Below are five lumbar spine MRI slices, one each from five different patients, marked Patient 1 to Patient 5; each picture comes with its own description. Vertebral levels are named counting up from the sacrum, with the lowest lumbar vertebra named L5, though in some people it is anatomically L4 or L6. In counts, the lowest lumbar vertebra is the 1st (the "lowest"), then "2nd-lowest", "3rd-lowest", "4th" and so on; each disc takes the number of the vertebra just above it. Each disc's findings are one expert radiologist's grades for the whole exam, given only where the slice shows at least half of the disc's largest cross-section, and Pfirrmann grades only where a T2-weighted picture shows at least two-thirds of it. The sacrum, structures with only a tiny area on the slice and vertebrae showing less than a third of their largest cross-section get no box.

Patient 1 of 5:
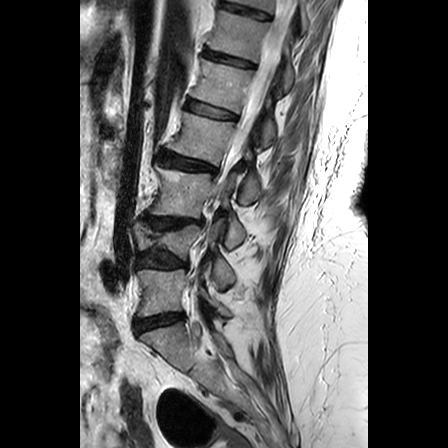 Patient sex: F; Sagittal T2-weighted lumbar spine MRI
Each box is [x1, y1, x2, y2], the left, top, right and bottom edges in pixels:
2nd-lowest disc — [138, 253, 186, 267].
Thecal sac / spinal canal — [204, 0, 296, 245].
3rd-lowest disc — [144, 215, 201, 228].
Lowest vertebra — [138, 268, 229, 316].
Lowest disc — [135, 313, 183, 332].
5th disc — [187, 100, 235, 119].
7th vertebra — [229, 0, 307, 30].
5th vertebra — [191, 58, 275, 145].
2nd-lowest vertebra — [134, 220, 234, 288].
7th disc — [222, 2, 270, 19].
3rd-lowest vertebra — [150, 164, 245, 248].
4th disc — [158, 151, 215, 172].
6th disc — [205, 50, 253, 67].
4th vertebra — [167, 112, 260, 203].
6th vertebra — [209, 10, 293, 89].

Per-level radiological findings:
  5th disc: Pfirrmann grade 2, upper-endplate change
  6th disc: Pfirrmann grade 3, upper-endplate change, lower-endplate change
  4th disc: Pfirrmann grade 3, upper-endplate change, lower-endplate change
  3rd-lowest disc: upper-endplate change, lower-endplate change, disc bulging
  7th disc: Pfirrmann grade 3, lower-endplate change
  2nd-lowest disc: lower-endplate change, disc bulging
  lowest disc: Pfirrmann grade 3, disc bulging

Patient 2 of 5:
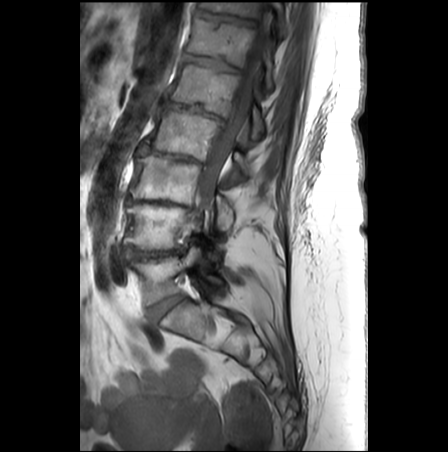
Field of view 280x283 mm, slice spacing 3.3 mm; Lumbar spine MR, T1-weighted, sagittal

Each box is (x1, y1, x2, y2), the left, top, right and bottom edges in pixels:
Intervertebral disc L1/L2 — (166, 100, 224, 121).
L3 vertebra — (129, 156, 233, 229).
T11 vertebra — (200, 2, 284, 34).
T11/T12 — (194, 10, 255, 25).
Spinal canal — (196, 4, 271, 211).
L5 — (131, 246, 221, 304).
Intervertebral disc T12/L1 — (183, 53, 239, 71).
Intervertebral disc L3/L4 — (126, 198, 188, 207).
L1 vertebra — (171, 64, 264, 138).
L4 vertebra — (124, 203, 201, 249).
Intervertebral disc L4/L5 — (124, 248, 181, 259).
L2 — (146, 108, 250, 175).
T12 vertebra — (186, 18, 272, 89).
L2/L3 — (139, 146, 201, 163).
L5/S1 — (148, 294, 183, 319).

Expert MSK radiologist gradings (per disc):
  L2/L3: lower-endplate change, disc bulging, Modic type II, disc narrowing, upper-endplate change
  L3/L4: disc bulging, lower-endplate change, Modic type II, disc narrowing, upper-endplate change
  T11/T12: lower-endplate change, upper-endplate change
  T12/L1: Modic type II, upper-endplate change, lower-endplate change
  L1/L2: Modic type II, upper-endplate change, disc bulging, lower-endplate change, disc narrowing, spondylolisthesis
  L4/L5: upper-endplate change, disc narrowing, disc bulging, Modic type II, lower-endplate change

Patient 3 of 5:
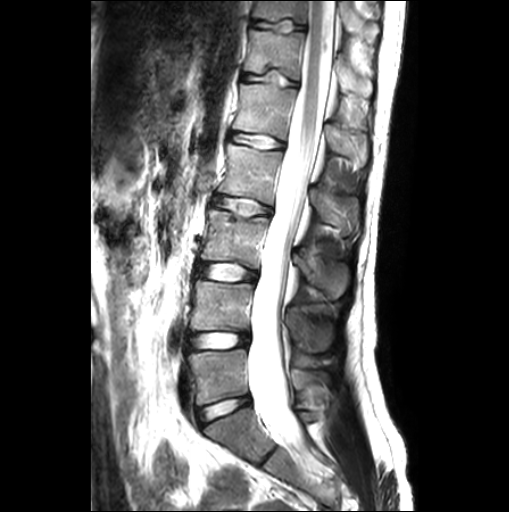 Field of view 280x281 mm, Slice 14/26, MRI lumbar spine (T2-weighted), sagittal plane
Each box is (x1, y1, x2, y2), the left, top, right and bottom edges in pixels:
Structures:
• disc L4/L5 (2nd-lowest disc): (189, 333, 249, 348)
• L3 (3rd-lowest vertebra): (201, 208, 346, 298)
• L1 (5th vertebra): (233, 83, 366, 163)
• T11 (7th vertebra): (251, 0, 380, 42)
• disc L1/L2 (5th disc): (229, 132, 283, 149)
• L5 (lowest vertebra): (189, 349, 324, 405)
• L2/L3 (4th disc): (213, 196, 271, 214)
• L4 (2nd-lowest vertebra): (190, 279, 331, 352)
• disc L3/L4 (3rd-lowest disc): (198, 263, 257, 279)
• thecal sac / spinal canal: (250, 0, 336, 446)
• disc T11/T12 (7th disc): (250, 20, 306, 32)
• T12 (6th vertebra): (244, 29, 371, 95)
• disc L5/S1 (lowest disc): (197, 396, 250, 426)
• L2 (4th vertebra): (217, 142, 338, 225)
• T12/L1 (6th disc): (242, 71, 298, 86)

Per-level radiological findings:
• T11/T12 (7th disc): Pfirrmann grade 1, upper-endplate change, lower-endplate change
• T12/L1 (6th disc): Pfirrmann grade 1, upper-endplate change, lower-endplate change
• L3/L4 (3rd-lowest disc): Pfirrmann grade 1
• L5/S1 (lowest disc): Pfirrmann grade 1
• L4/L5 (2nd-lowest disc): Pfirrmann grade 1
• L1/L2 (5th disc): Pfirrmann grade 1, Modic type II
• L2/L3 (4th disc): Pfirrmann grade 1

Patient 4 of 5:
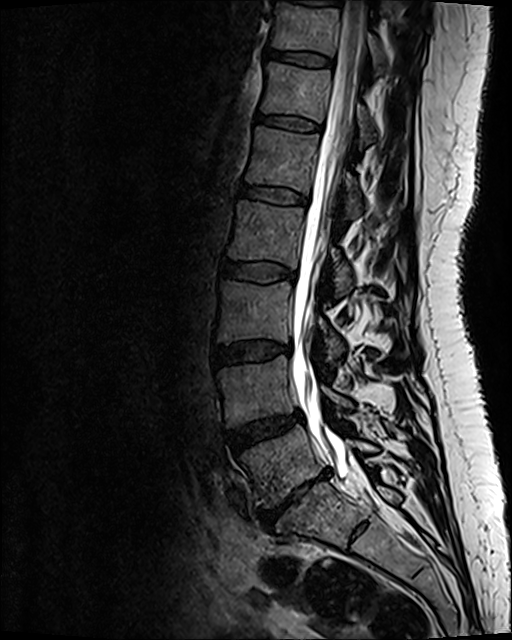 512x640 px; MRI lumbar spine (T2 SPACE (3D)), sagittal plane
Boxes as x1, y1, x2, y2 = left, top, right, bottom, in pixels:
5th vertebra: 246, 128, 362, 217
spinal canal: 290, 1, 365, 474
lowest disc: 258, 470, 329, 526
3rd-lowest disc: 214, 341, 290, 365
2nd-lowest disc: 227, 411, 301, 450
6th vertebra: 262, 63, 375, 143
7th disc: 267, 50, 331, 65
2nd-lowest vertebra: 219, 355, 351, 424
6th disc: 258, 114, 320, 131
5th disc: 240, 185, 307, 204
3rd-lowest vertebra: 218, 281, 343, 362
4th vertebra: 228, 202, 351, 296
7th vertebra: 272, 4, 383, 72
4th disc: 222, 261, 295, 281
lowest vertebra: 241, 425, 376, 506

Per-level radiological findings:
- 5th disc: Pfirrmann grade 2
- lowest disc: Pfirrmann grade 5, upper-endplate change, Modic type III, lower-endplate change, disc narrowing, disc herniation, disc bulging
- 3rd-lowest disc: Pfirrmann grade 2, disc bulging
- 6th disc: Pfirrmann grade 2
- 7th disc: Pfirrmann grade 2
- 2nd-lowest disc: Pfirrmann grade 3, disc bulging
- 4th disc: Pfirrmann grade 2

Patient 5 of 5:
Sagittal T2 SPACE (3D) lumbar spine MRI, Field of view 240x300 mm, slice spacing 0.9 mm

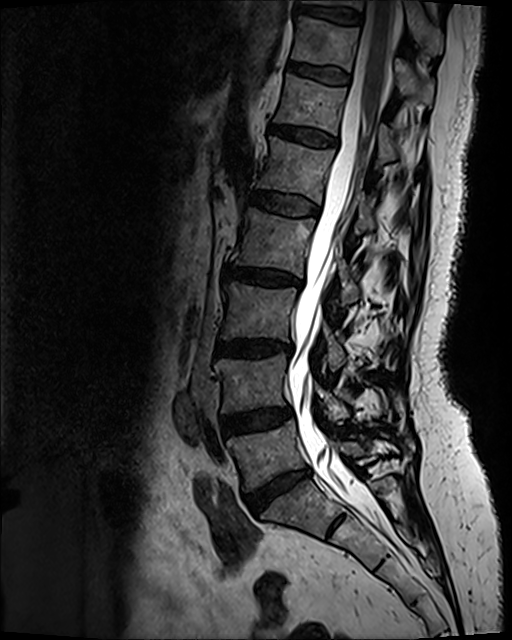
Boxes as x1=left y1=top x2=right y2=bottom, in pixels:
spinal canal: x1=288 y1=1 x2=394 y2=532
intervertebral disc L3/L4: x1=214 y1=339 x2=290 y2=354
intervertebral disc T11/T12: x1=288 y1=63 x2=348 y2=83
L3: x1=222 y1=281 x2=345 y2=370
L2/L3: x1=223 y1=264 x2=300 y2=284
L5/S1: x1=247 y1=470 x2=309 y2=513
L4/L5: x1=223 y1=408 x2=290 y2=432
intervertebral disc T12/L1: x1=269 y1=124 x2=336 y2=146
T10/T11: x1=294 y1=5 x2=362 y2=24
L5: x1=227 y1=421 x2=364 y2=491
intervertebral disc L1/L2: x1=249 y1=191 x2=317 y2=215
T12: x1=275 y1=74 x2=398 y2=160
L1: x1=257 y1=137 x2=376 y2=231
T11: x1=291 y1=16 x2=433 y2=105
L4: x1=214 y1=353 x2=349 y2=420
L2 vertebra: x1=231 y1=208 x2=359 y2=304
T10 vertebra: x1=300 y1=0 x2=444 y2=52

Expert MSK radiologist gradings (per disc):
• T12/L1: Pfirrmann grade 3, disc bulging
• T10/T11: Pfirrmann grade 2
• L3/L4: Pfirrmann grade 4, disc narrowing, upper-endplate change, Modic type II, lower-endplate change, disc bulging
• L1/L2: Pfirrmann grade 2
• L5/S1: Pfirrmann grade 4, disc bulging, disc narrowing
• L4/L5: Pfirrmann grade 3, disc bulging
• T11/T12: Pfirrmann grade 2
• L2/L3: Pfirrmann grade 4, disc narrowing, Modic type II, lower-endplate change, upper-endplate change, disc bulging